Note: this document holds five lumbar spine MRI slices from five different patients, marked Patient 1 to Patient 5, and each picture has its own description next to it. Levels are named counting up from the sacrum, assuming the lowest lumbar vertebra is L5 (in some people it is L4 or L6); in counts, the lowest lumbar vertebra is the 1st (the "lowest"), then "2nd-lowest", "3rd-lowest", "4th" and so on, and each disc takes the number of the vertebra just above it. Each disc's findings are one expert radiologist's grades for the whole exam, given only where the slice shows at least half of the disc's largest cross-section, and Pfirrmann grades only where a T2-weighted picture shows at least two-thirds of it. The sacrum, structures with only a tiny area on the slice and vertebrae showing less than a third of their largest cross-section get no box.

Patient 1 of 5:
Sagittal T1-weighted lumbar spine MRI | Sagittal slice index 15

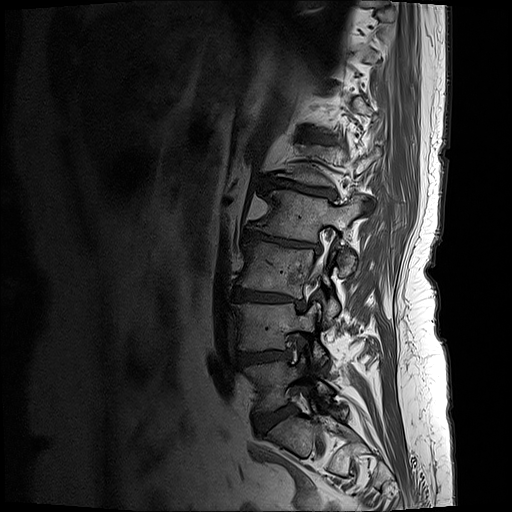 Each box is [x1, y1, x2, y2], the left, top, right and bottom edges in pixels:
5th disc at [264, 179, 333, 198], lowest vertebra at [249, 357, 329, 410], 2nd-lowest disc at [238, 350, 289, 365], 4th vertebra at [250, 191, 365, 274], 3rd-lowest disc at [233, 288, 304, 308], 4th disc at [243, 230, 319, 251], 2nd-lowest vertebra at [234, 304, 324, 360], 3rd-lowest vertebra at [239, 241, 338, 324], 6th disc at [304, 135, 333, 142], lowest disc at [255, 406, 293, 433].

Per-level radiological findings:
  2nd-lowest disc: upper-endplate change, lower-endplate change, disc bulging
  5th disc: Modic type II, upper-endplate change, disc narrowing, lower-endplate change, disc bulging
  4th disc: Modic type II, lower-endplate change, disc narrowing, disc bulging, upper-endplate change
  lowest disc: disc bulging
  3rd-lowest disc: disc bulging, disc narrowing, lower-endplate change, Modic type II, upper-endplate change

Patient 2 of 5:
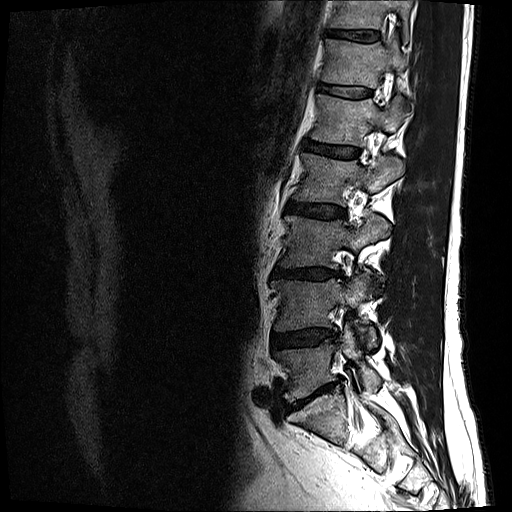 Lumbar spine MR, T2-weighted, sagittal; 512x512 px; Slice 13 of 17

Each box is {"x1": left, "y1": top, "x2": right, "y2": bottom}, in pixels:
• lowest disc: {"x1": 284, "y1": 382, "x2": 336, "y2": 411}
• 6th vertebra: {"x1": 322, "y1": 38, "x2": 407, "y2": 88}
• 4th vertebra: {"x1": 293, "y1": 152, "x2": 405, "y2": 206}
• lowest vertebra: {"x1": 274, "y1": 323, "x2": 381, "y2": 403}
• 4th disc: {"x1": 286, "y1": 202, "x2": 346, "y2": 218}
• 3rd-lowest disc: {"x1": 273, "y1": 268, "x2": 342, "y2": 279}
• 2nd-lowest vertebra: {"x1": 271, "y1": 269, "x2": 377, "y2": 349}
• 5th disc: {"x1": 304, "y1": 141, "x2": 359, "y2": 158}
• 7th disc: {"x1": 326, "y1": 30, "x2": 380, "y2": 41}
• 7th vertebra: {"x1": 329, "y1": 0, "x2": 411, "y2": 38}
• 5th vertebra: {"x1": 311, "y1": 94, "x2": 404, "y2": 147}
• 6th disc: {"x1": 319, "y1": 84, "x2": 371, "y2": 98}
• 3rd-lowest vertebra: {"x1": 279, "y1": 214, "x2": 389, "y2": 279}
• 2nd-lowest disc: {"x1": 272, "y1": 329, "x2": 337, "y2": 348}

Expert MSK radiologist gradings (per disc):
- 6th disc: Pfirrmann grade 3
- 2nd-lowest disc: Pfirrmann grade 3, disc narrowing, disc bulging
- 7th disc: Pfirrmann grade 4
- lowest disc: Modic type II, disc narrowing, disc bulging
- 4th disc: Pfirrmann grade 3, disc bulging
- 5th disc: Pfirrmann grade 4
- 3rd-lowest disc: Pfirrmann grade 4, lower-endplate change, disc narrowing, disc bulging

Patient 3 of 5:
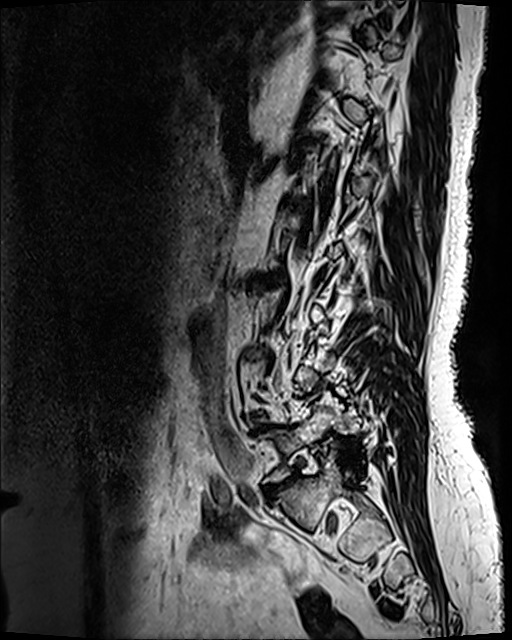 512x640 px, MRI lumbar spine (T2 SPACE (3D)), sagittal plane

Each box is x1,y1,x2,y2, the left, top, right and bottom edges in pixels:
L5 (lowest vertebra) at 264,405,341,482.
IVD L5/S1 (lowest disc) at 268,477,292,492.

Patient 4 of 5:
Sagittal T2 SPACE (3D) lumbar spine MRI, 512x640 px, Field of view 240x300 mm, Sagittal slice index 87

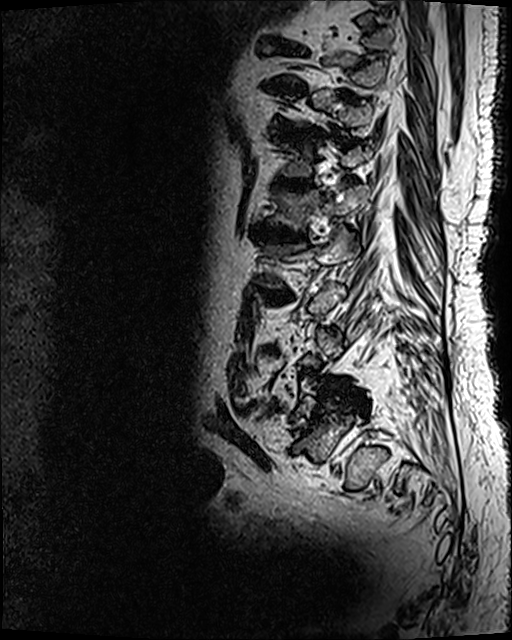
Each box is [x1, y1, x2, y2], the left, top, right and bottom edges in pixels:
Disc L3/L4 at [266, 349, 278, 355], T10/T11 at [265, 80, 306, 96], disc L1/L2 at [252, 225, 303, 244], disc T12/L1 at [272, 175, 313, 191], L2/L3 at [259, 288, 294, 301], L2 at [252, 225, 359, 287], disc L4/L5 at [266, 405, 277, 411], L1 vertebra at [266, 181, 369, 232], T11/T12 at [278, 127, 320, 140].

Expert MSK radiologist gradings (per disc):
• L1/L2: Pfirrmann grade 5, lower-endplate change, disc bulging, disc narrowing, Modic type II, upper-endplate change

Patient 5 of 5:
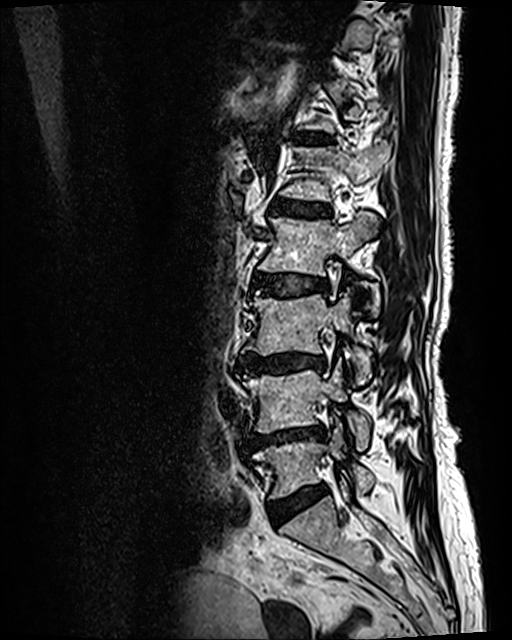 Sex F, Image 512x640, MRI lumbar spine (T2 SPACE (3D)), sagittal plane

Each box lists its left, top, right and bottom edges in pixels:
4th disc at left=255, top=274, right=328, bottom=296; 4th vertebra at left=258, top=215, right=378, bottom=302; 5th vertebra at left=280, top=144, right=390, bottom=201; 2nd-lowest vertebra at left=238, top=358, right=370, bottom=450; lowest vertebra at left=254, top=422, right=375, bottom=498; 2nd-lowest disc at left=245, top=427, right=326, bottom=451; 5th disc at left=272, top=199, right=329, bottom=216; 6th disc at left=292, top=132, right=330, bottom=143; 3rd-lowest disc at left=239, top=355, right=326, bottom=374; lowest disc at left=271, top=485, right=326, bottom=525; 3rd-lowest vertebra at left=243, top=289, right=373, bottom=384.

Degenerative findings by level:
• 3rd-lowest disc: Pfirrmann grade 4, disc narrowing, Modic type II, disc bulging, upper-endplate change, lower-endplate change
• 2nd-lowest disc: Pfirrmann grade 4, disc narrowing, upper-endplate change, lower-endplate change, Modic type II, disc bulging
• lowest disc: disc bulging
• 5th disc: upper-endplate change, Modic type II, lower-endplate change
• 4th disc: Pfirrmann grade 3, upper-endplate change, Modic type II, disc bulging, lower-endplate change